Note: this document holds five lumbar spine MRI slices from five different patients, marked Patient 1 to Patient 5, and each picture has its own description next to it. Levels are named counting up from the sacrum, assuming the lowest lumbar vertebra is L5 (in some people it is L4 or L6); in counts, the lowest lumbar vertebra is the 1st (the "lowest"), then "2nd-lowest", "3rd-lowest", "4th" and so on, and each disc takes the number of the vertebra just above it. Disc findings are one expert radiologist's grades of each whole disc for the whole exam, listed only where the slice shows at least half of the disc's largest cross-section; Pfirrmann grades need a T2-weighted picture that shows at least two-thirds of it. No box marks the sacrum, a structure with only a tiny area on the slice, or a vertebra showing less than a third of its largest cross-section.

Patient 1 of 5:
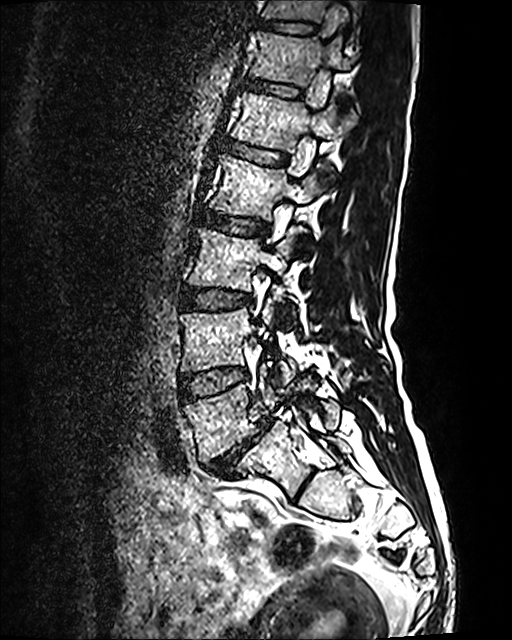 Field of view 240x300 mm, slice spacing 0.9 mm. 512x640 px. Lumbar spine MR, T2 SPACE (3D), sagittal. Sagittal slice index 46.

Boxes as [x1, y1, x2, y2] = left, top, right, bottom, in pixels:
T12: [251, 31, 352, 86]
L2: [209, 155, 333, 248]
L5 vertebra: [184, 371, 340, 462]
L4/L5: [179, 367, 247, 401]
T11: [262, 0, 357, 37]
intervertebral disc L3/L4: [181, 288, 250, 309]
T11/T12: [259, 20, 317, 33]
T12/L1: [246, 80, 300, 97]
intervertebral disc L1/L2: [223, 141, 287, 165]
L3: [188, 228, 298, 291]
intervertebral disc L2/L3: [199, 211, 267, 235]
L1: [230, 91, 353, 153]
L5/S1: [204, 418, 270, 476]
thecal sac / spinal canal: [306, 7, 336, 149]
L4 vertebra: [180, 299, 295, 384]

Degenerative findings by level:
• T12/L1: Pfirrmann grade 2
• L2/L3: Pfirrmann grade 2
• L3/L4: Pfirrmann grade 2
• L5/S1: Pfirrmann grade 5, Modic type II, spondylolisthesis, disc bulging, disc narrowing
• T11/T12: Pfirrmann grade 2
• L1/L2: Pfirrmann grade 2
• L4/L5: Pfirrmann grade 2

Patient 2 of 5:
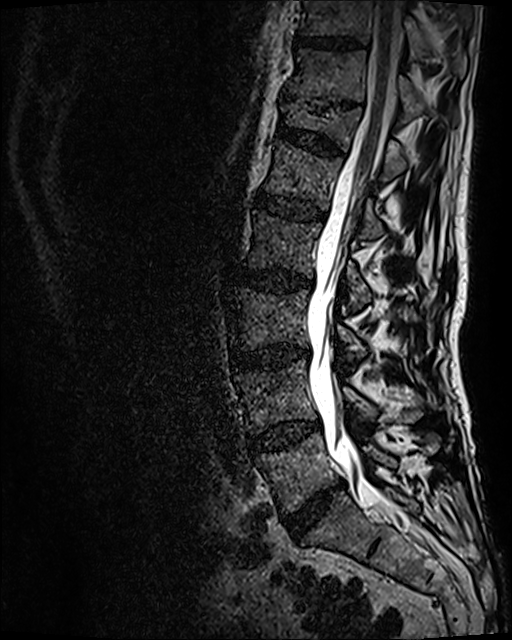 MRI lumbar spine (T2 SPACE (3D)), sagittal plane; Image 512x640; Patient sex: M; Slice 67 of 120
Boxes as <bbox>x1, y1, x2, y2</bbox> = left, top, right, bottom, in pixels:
T11: <bbox>286, 50, 424, 116</bbox> | thecal sac / spinal canal: <bbox>306, 0, 425, 539</bbox> | L2 vertebra: <bbox>245, 210, 372, 314</bbox> | IVD L3/L4: <bbox>232, 345, 309, 368</bbox> | T12 vertebra: <bbox>281, 102, 406, 179</bbox> | IVD L1/L2: <bbox>256, 192, 324, 220</bbox> | L1: <bbox>264, 140, 383, 239</bbox> | L5 vertebra: <bbox>256, 432, 439, 513</bbox> | T10 vertebra: <bbox>302, 0, 466, 75</bbox> | L4: <bbox>235, 359, 422, 433</bbox> | L5/S1: <bbox>283, 483, 342, 539</bbox> | L4/L5: <bbox>248, 422, 319, 453</bbox> | IVD L2/L3: <bbox>236, 269, 312, 291</bbox> | T10/T11: <bbox>295, 36, 359, 49</bbox> | IVD T12/L1: <bbox>276, 125, 342, 154</bbox> | L3 vertebra: <bbox>230, 289, 365, 361</bbox> | IVD T11/T12: <bbox>309, 100, 350, 111</bbox>

Radiological gradings:
- L5/S1: Pfirrmann grade 4, disc narrowing, disc bulging
- L1/L2: Pfirrmann grade 3
- L2/L3: Pfirrmann grade 3, Modic type II, disc bulging
- T10/T11: Pfirrmann grade 3
- T12/L1: Pfirrmann grade 3, lower-endplate change, upper-endplate change
- L4/L5: Pfirrmann grade 3, disc bulging, Modic type II
- T11/T12: Pfirrmann grade 5, lower-endplate change, disc narrowing, upper-endplate change
- L3/L4: Pfirrmann grade 4, Modic type II, disc bulging, disc narrowing

Patient 3 of 5:
Sagittal slice index 14. Scanner: Philips Medical Systems Ingenia (1.5T). Patient sex: M. T2-weighted sagittal MRI of the lumbar spine.
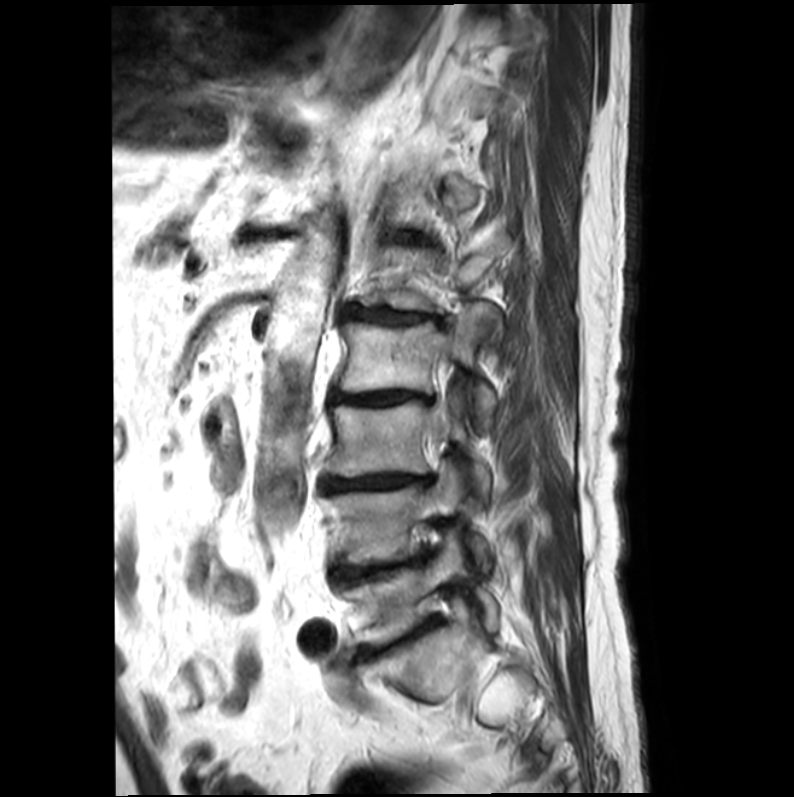

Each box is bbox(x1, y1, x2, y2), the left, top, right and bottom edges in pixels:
{"L3": "bbox(326, 401, 489, 495)", "intervertebral disc L2/L3": "bbox(331, 391, 435, 405)", "intervertebral disc L5/S1": "bbox(366, 624, 426, 656)", "L4 vertebra": "bbox(328, 464, 487, 565)", "L3/L4": "bbox(322, 475, 430, 491)", "intervertebral disc L4/L5": "bbox(336, 553, 427, 586)", "L2": "bbox(334, 302, 495, 419)", "L1": "bbox(358, 235, 505, 336)", "L1/L2": "bbox(344, 307, 438, 324)", "spinal canal": "bbox(435, 378, 444, 432)", "L5": "bbox(342, 535, 497, 645)"}

Degenerative findings by level:
- L1/L2: Pfirrmann grade 4, lower-endplate change, upper-endplate change, Modic type II, disc bulging, disc narrowing
- L2/L3: Pfirrmann grade 5, disc bulging, disc narrowing, lower-endplate change, Modic type II, upper-endplate change
- L3/L4: Pfirrmann grade 5, disc bulging, lower-endplate change, disc narrowing, Modic type II, upper-endplate change

Patient 4 of 5:
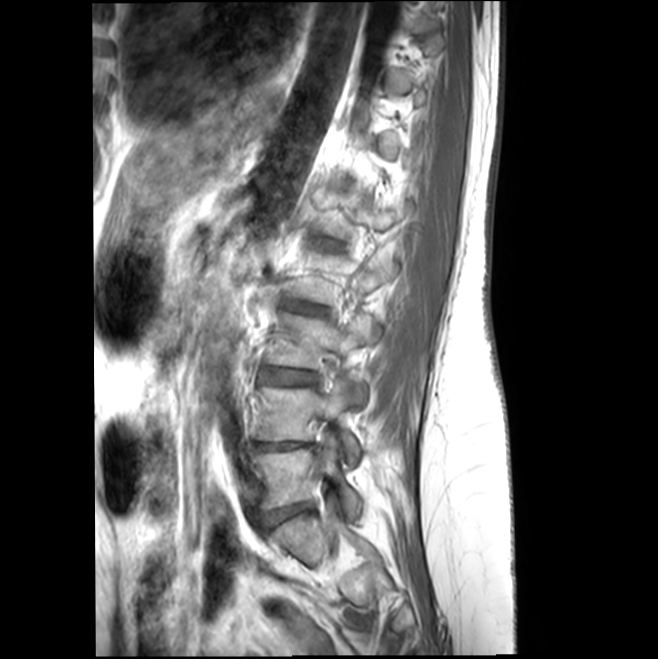 Lumbar spine MR, T1-weighted, sagittal. Image 658x659.

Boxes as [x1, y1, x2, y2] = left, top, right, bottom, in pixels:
Structures:
- L4: [253, 379, 360, 465]
- intervertebral disc L2/L3: [288, 302, 323, 313]
- L4/L5: [253, 442, 310, 450]
- L5 vertebra: [251, 433, 361, 519]
- L5/S1: [261, 504, 309, 528]
- L3: [266, 313, 380, 403]
- L3/L4: [262, 369, 317, 384]

Degenerative findings by level:
• L4/L5: lower-endplate change, upper-endplate change, disc bulging, Modic type II
• L3/L4: Modic type II, disc bulging

Patient 5 of 5:
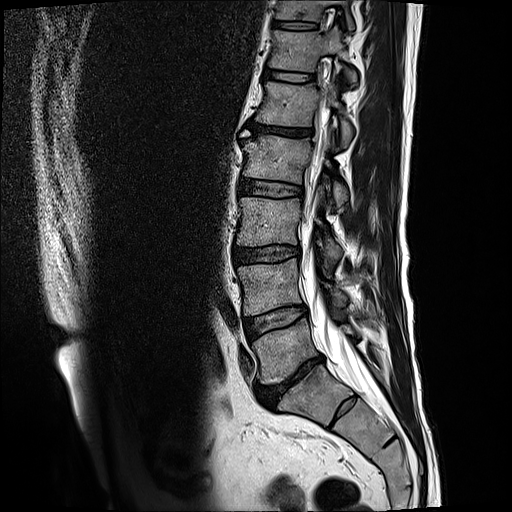 MRI lumbar spine (T2-weighted), sagittal plane
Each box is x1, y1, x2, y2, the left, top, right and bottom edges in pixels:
Intervertebral disc T11/T12 — 273, 21, 316, 29.
L3/L4 — 233, 246, 300, 262.
L3 vertebra — 237, 186, 341, 261.
T12/L1 — 264, 65, 313, 81.
T12 vertebra — 269, 26, 357, 85.
Spinal canal — 303, 104, 373, 393.
Intervertebral disc L4/L5 — 245, 305, 305, 336.
Intervertebral disc L1/L2 — 248, 121, 311, 137.
L5 vertebra — 252, 318, 353, 383.
L4 — 238, 258, 345, 315.
L1 — 256, 73, 352, 145.
T11 vertebra — 277, 0, 353, 29.
L2 — 243, 130, 347, 205.
L2/L3 — 240, 179, 302, 197.
L5/S1 — 257, 356, 322, 407.

Expert MSK radiologist gradings (per disc):
- L1/L2: Pfirrmann grade 5, Modic type II, disc bulging, upper-endplate change, disc narrowing, lower-endplate change
- T11/T12: Pfirrmann grade 3, lower-endplate change, upper-endplate change
- T12/L1: Pfirrmann grade 3
- L2/L3: Pfirrmann grade 3
- L4/L5: Pfirrmann grade 3, Modic type II
- L5/S1: Pfirrmann grade 5, disc bulging, disc narrowing, upper-endplate change, lower-endplate change, Modic type II
- L3/L4: Pfirrmann grade 3, lower-endplate change, upper-endplate change, disc bulging